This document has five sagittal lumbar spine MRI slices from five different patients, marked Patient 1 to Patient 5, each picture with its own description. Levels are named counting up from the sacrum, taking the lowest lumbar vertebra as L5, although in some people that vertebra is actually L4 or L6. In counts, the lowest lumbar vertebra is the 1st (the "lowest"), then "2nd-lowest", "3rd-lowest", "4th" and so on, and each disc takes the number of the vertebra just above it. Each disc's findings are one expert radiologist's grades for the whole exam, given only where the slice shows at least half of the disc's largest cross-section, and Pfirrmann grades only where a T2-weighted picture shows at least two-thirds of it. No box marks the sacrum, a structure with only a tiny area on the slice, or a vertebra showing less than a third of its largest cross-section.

Patient 1 of 5:
T2-weighted sagittal MRI of the lumbar spine; Patient sex: F; Scanner: Philips Medical Systems Ingenia (1.5T)

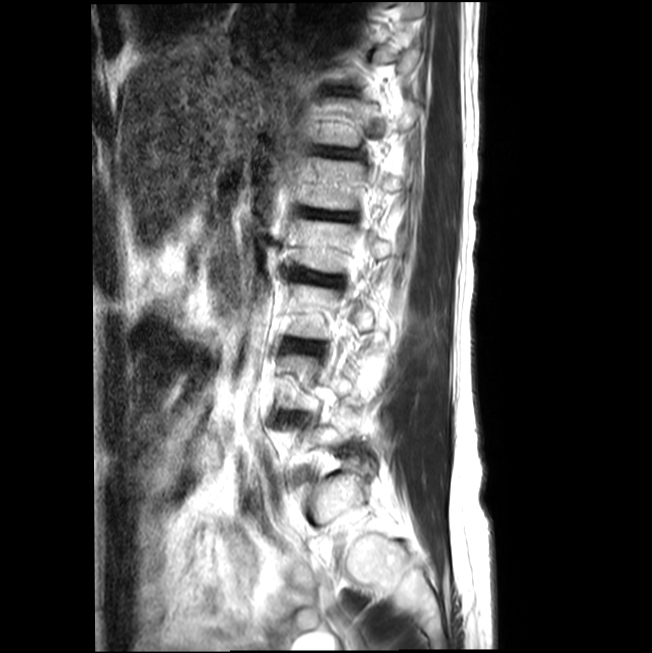
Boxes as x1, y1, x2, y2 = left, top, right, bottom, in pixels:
4th disc — 293, 269, 340, 285.
3rd-lowest disc — 286, 341, 321, 351.
5th disc — 309, 211, 353, 219.
6th vertebra — 321, 99, 418, 145.
4th vertebra — 299, 220, 393, 272.
5th vertebra — 303, 158, 403, 209.

Per-level radiological findings:
• 4th disc: lower-endplate change, upper-endplate change, disc narrowing

Patient 2 of 5:
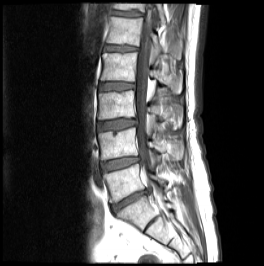 Slice 12/24. T1-weighted sagittal MRI of the lumbar spine. Slice spacing 4.7 mm.
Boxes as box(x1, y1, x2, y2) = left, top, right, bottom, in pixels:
2nd-lowest vertebra: box(98, 127, 182, 160).
2nd-lowest disc: box(101, 158, 138, 170).
6th vertebra: box(114, 4, 165, 25).
6th disc: box(113, 11, 141, 16).
Lowest vertebra: box(103, 164, 165, 202).
4th disc: box(100, 83, 134, 90).
4th vertebra: box(101, 53, 181, 93).
5th disc: box(105, 46, 137, 51).
Thecal sac / spinal canal: box(136, 5, 153, 174).
Lowest disc: box(112, 189, 151, 211).
3rd-lowest vertebra: box(98, 90, 181, 130).
3rd-lowest disc: box(98, 120, 135, 130).
5th vertebra: box(106, 17, 181, 59).

Per-level radiological findings:
- 2nd-lowest disc: disc bulging
- lowest disc: disc herniation, disc narrowing, disc bulging, Modic type II
- 3rd-lowest disc: upper-endplate change, disc bulging
- 4th disc: Modic type II
- 5th disc: lower-endplate change, upper-endplate change, Modic type II
- 6th disc: lower-endplate change, upper-endplate change

Patient 3 of 5:
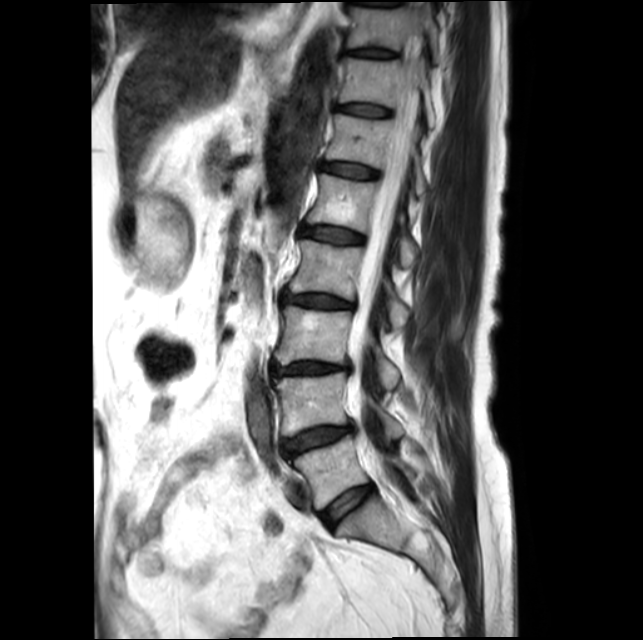 Image 643x640. Field of view 310x308 mm, slice spacing 4.4 mm. Lumbar spine MR, T2-weighted, sagittal.

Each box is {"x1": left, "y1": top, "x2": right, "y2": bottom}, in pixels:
Intervertebral disc T10/T11 (8th disc) at {"x1": 347, "y1": 48, "x2": 395, "y2": 58}.
L2 (4th vertebra) at {"x1": 289, "y1": 240, "x2": 410, "y2": 327}.
T11/T12 (7th disc) at {"x1": 338, "y1": 104, "x2": 390, "y2": 116}.
T12 (6th vertebra) at {"x1": 326, "y1": 114, "x2": 425, "y2": 194}.
L3 (3rd-lowest vertebra) at {"x1": 274, "y1": 306, "x2": 399, "y2": 388}.
L3/L4 (3rd-lowest disc) at {"x1": 272, "y1": 362, "x2": 347, "y2": 375}.
Spinal canal at {"x1": 347, "y1": 14, "x2": 424, "y2": 448}.
L2/L3 (4th disc) at {"x1": 283, "y1": 295, "x2": 352, "y2": 308}.
T10 (8th vertebra) at {"x1": 347, "y1": 2, "x2": 439, "y2": 59}.
T11 (7th vertebra) at {"x1": 340, "y1": 58, "x2": 435, "y2": 126}.
T12/L1 (6th disc) at {"x1": 321, "y1": 163, "x2": 377, "y2": 178}.
L4 (2nd-lowest vertebra) at {"x1": 274, "y1": 372, "x2": 402, "y2": 437}.
L5 (lowest vertebra) at {"x1": 293, "y1": 434, "x2": 415, "y2": 510}.
Intervertebral disc L4/L5 (2nd-lowest disc) at {"x1": 282, "y1": 426, "x2": 352, "y2": 456}.
L1/L2 (5th disc) at {"x1": 302, "y1": 226, "x2": 364, "y2": 243}.
L5/S1 (lowest disc) at {"x1": 320, "y1": 484, "x2": 372, "y2": 527}.
L1 (5th vertebra) at {"x1": 306, "y1": 174, "x2": 417, "y2": 267}.

Per-level radiological findings:
  T12/L1 (6th disc): Pfirrmann grade 2
  L2/L3 (4th disc): Pfirrmann grade 3, upper-endplate change, disc narrowing, disc bulging, Modic type II, lower-endplate change
  L3/L4 (3rd-lowest disc): Pfirrmann grade 3, upper-endplate change, disc bulging, Modic type II, lower-endplate change, disc narrowing
  T10/T11 (8th disc): Pfirrmann grade 2
  T11/T12 (7th disc): Pfirrmann grade 2
  L5/S1 (lowest disc): Pfirrmann grade 2
  L4/L5 (2nd-lowest disc): Pfirrmann grade 2, lower-endplate change, upper-endplate change, Modic type II, disc bulging
  L1/L2 (5th disc): Pfirrmann grade 2, Modic type II

Patient 4 of 5:
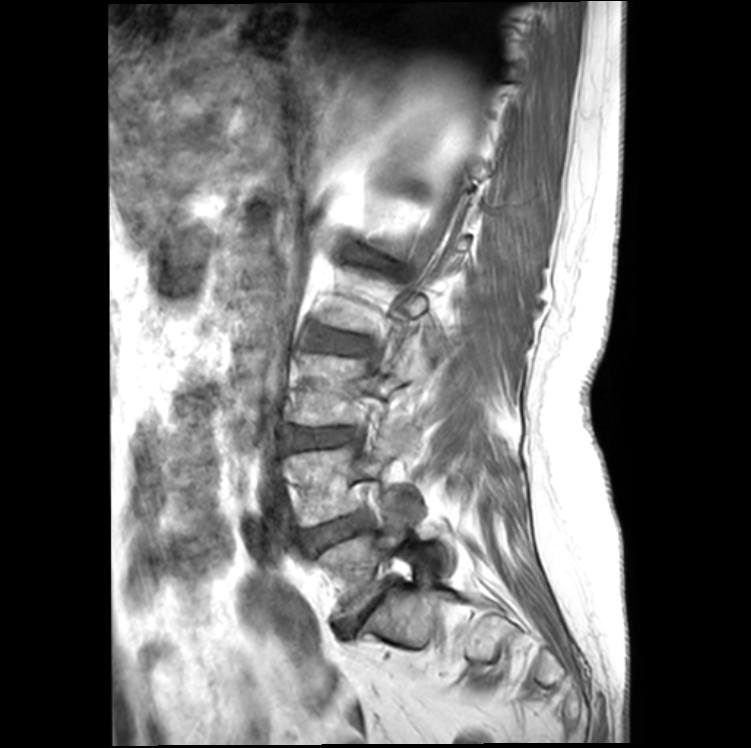 Field of view 310x309 mm; Lumbar spine MR, T1-weighted, sagittal; Slice 6 of 20
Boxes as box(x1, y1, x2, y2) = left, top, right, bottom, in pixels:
L4 vertebra: box(286, 444, 424, 526)
L5 vertebra: box(319, 508, 443, 621)
L5/S1: box(339, 592, 385, 635)
L3: box(292, 353, 405, 425)
L4/L5: box(301, 515, 369, 550)
disc L3/L4: box(284, 427, 353, 449)
disc L2/L3: box(307, 330, 367, 354)

Expert MSK radiologist gradings (per disc):
• L3/L4: disc narrowing, disc bulging, Modic type II
• L2/L3: disc bulging, Modic type II
• L4/L5: Modic type II, disc bulging

Patient 5 of 5:
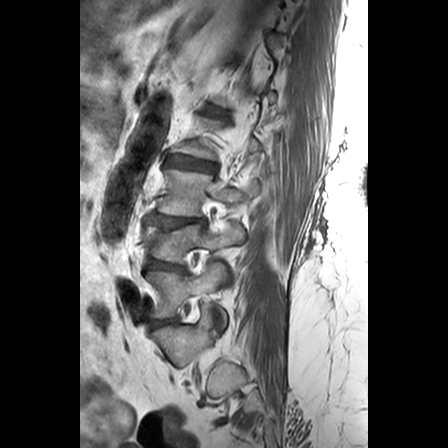
T1-weighted sagittal MRI of the lumbar spine
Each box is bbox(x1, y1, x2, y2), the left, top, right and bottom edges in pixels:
L5 (lowest vertebra): bbox(145, 262, 227, 326).
Intervertebral disc L4/L5 (2nd-lowest disc): bbox(146, 258, 184, 272).
Intervertebral disc L5/S1 (lowest disc): bbox(153, 320, 170, 326).
L3/L4 (3rd-lowest disc): bbox(151, 214, 205, 227).
L1/L2 (5th disc): bbox(211, 108, 224, 116).
L3 (3rd-lowest vertebra): bbox(158, 168, 259, 216).
L2/L3 (4th disc): bbox(167, 155, 216, 172).
L4 (2nd-lowest vertebra): bbox(143, 222, 245, 262).

Radiological gradings:
  L3/L4 (3rd-lowest disc): upper-endplate change, disc bulging, lower-endplate change
  L2/L3 (4th disc): lower-endplate change, upper-endplate change